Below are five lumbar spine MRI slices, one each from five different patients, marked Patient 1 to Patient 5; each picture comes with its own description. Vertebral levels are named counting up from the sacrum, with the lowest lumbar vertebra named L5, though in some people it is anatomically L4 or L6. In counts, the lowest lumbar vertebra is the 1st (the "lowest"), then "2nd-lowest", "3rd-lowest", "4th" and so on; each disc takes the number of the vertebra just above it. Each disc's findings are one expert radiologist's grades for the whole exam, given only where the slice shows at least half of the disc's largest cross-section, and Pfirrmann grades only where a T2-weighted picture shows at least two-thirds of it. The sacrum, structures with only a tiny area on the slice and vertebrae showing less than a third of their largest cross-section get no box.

Patient 1 of 5:
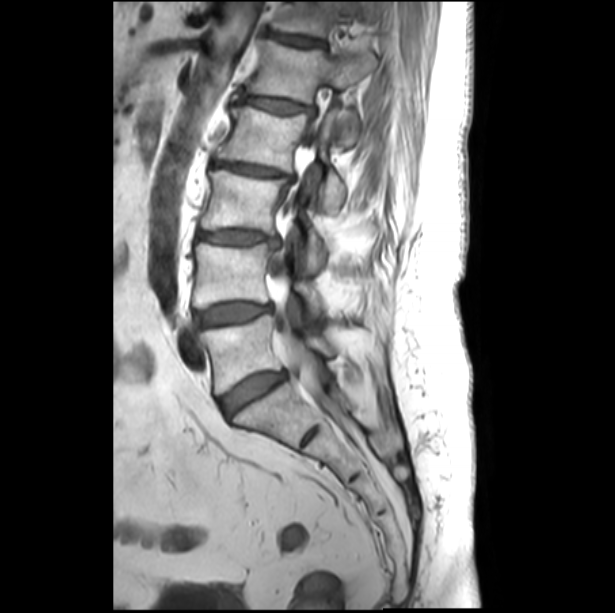
Sagittal slice index 18. MRI lumbar spine (T1-weighted), sagittal plane. Slice spacing 3.3 mm.
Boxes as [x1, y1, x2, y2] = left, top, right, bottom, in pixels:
T12 = [273, 2, 376, 37].
L2 = [217, 105, 345, 211].
L1 = [244, 40, 375, 144].
L2/L3 = [212, 159, 293, 179].
Disc L1/L2 = [240, 94, 311, 113].
T12/L1 = [270, 33, 323, 46].
L5/S1 = [220, 371, 285, 415].
L3/L4 = [198, 231, 279, 246].
L4 vertebra = [192, 242, 323, 311].
L3 vertebra = [201, 169, 328, 271].
L5 vertebra = [200, 314, 334, 393].
L4/L5 = [194, 302, 271, 327].
Spinal canal = [270, 127, 317, 345].

Degenerative findings by level:
  L3/L4: upper-endplate change, Modic type II, disc narrowing, disc bulging, lower-endplate change
  L2/L3: disc bulging, upper-endplate change, disc narrowing, Modic type II, lower-endplate change
  T12/L1: Modic type II, upper-endplate change, disc bulging, lower-endplate change
  L5/S1: disc bulging
  L1/L2: upper-endplate change, Modic type II, disc bulging, lower-endplate change
  L4/L5: disc bulging

Patient 2 of 5:
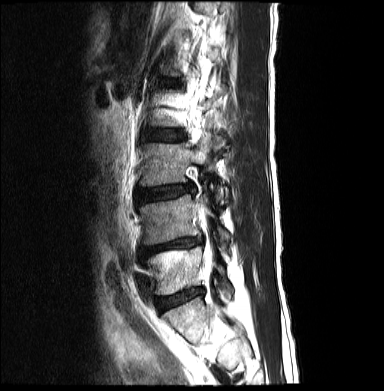 Image 384x391, Sagittal slice index 13, T2-weighted sagittal MRI of the lumbar spine, Sex M

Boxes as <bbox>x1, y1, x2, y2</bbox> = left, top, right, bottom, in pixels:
L3 — <bbox>139, 132, 223, 202</bbox>.
L2/L3 — <bbox>147, 131, 185, 140</bbox>.
L4 — <bbox>139, 194, 230, 246</bbox>.
L3/L4 — <bbox>136, 185, 194, 204</bbox>.
Intervertebral disc L5/S1 — <bbox>157, 287, 202, 309</bbox>.
Intervertebral disc L4/L5 — <bbox>139, 238, 202, 259</bbox>.
L5 vertebra — <bbox>146, 247, 233, 294</bbox>.

Radiological gradings:
- L4/L5: Pfirrmann grade 5, Modic type II, disc herniation, disc bulging, lower-endplate change, upper-endplate change, disc narrowing
- L5/S1: Modic type II
- L3/L4: Pfirrmann grade 3, disc narrowing, disc bulging
- L2/L3: no Modic or endplate change, herniation, narrowing, bulging or spondylolisthesis recorded

Patient 3 of 5:
MRI lumbar spine (T2 SPACE (3D)), sagittal plane | Sagittal slice index 101 | Field of view 240x300 mm, slice spacing 0.9 mm
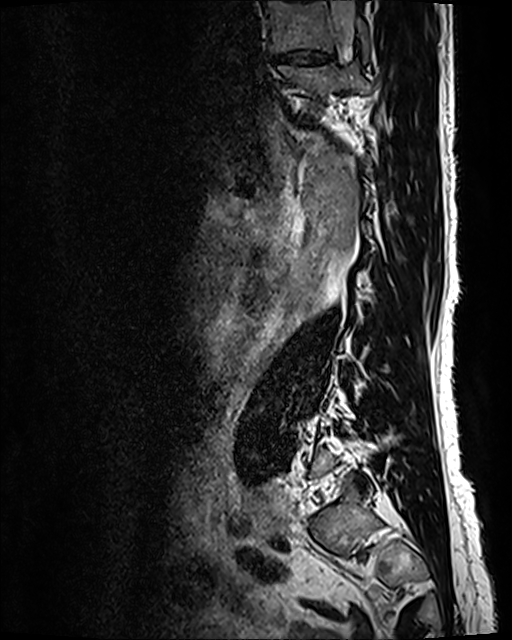

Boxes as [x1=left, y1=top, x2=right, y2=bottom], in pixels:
{"intervertebral disc T10/T11": "[x1=271, y1=50, x2=332, y2=64]", "thecal sac / spinal canal": "[x1=331, y1=1, x2=356, y2=41]", "T11 vertebra": "[x1=279, y1=61, x2=375, y2=115]", "T10 vertebra": "[x1=266, y1=2, x2=368, y2=59]"}

Expert MSK radiologist gradings (per disc):
  T10/T11: Pfirrmann grade 3, disc bulging, disc narrowing

Patient 4 of 5:
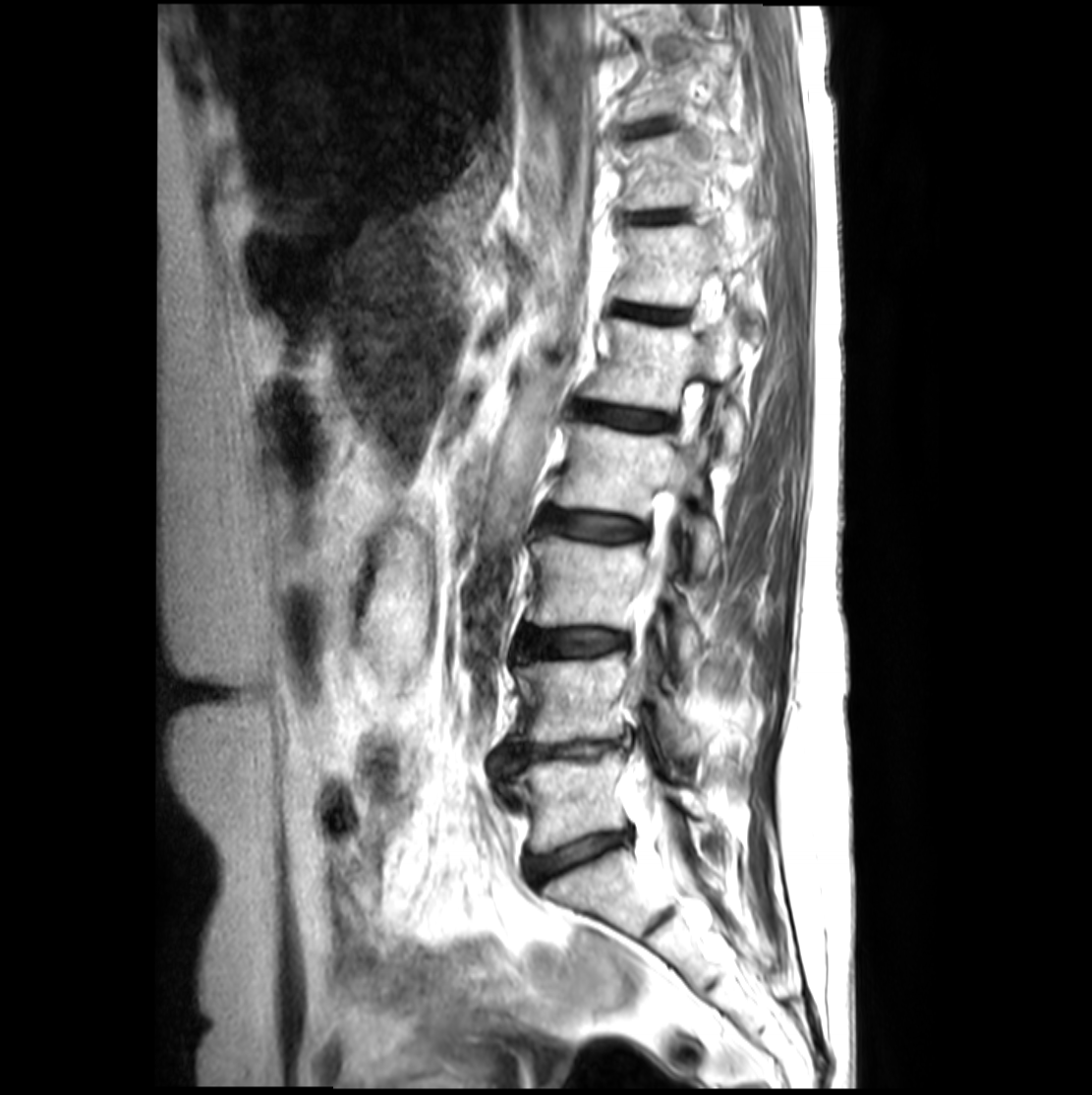
Slice 15/23; Sagittal T2-weighted lumbar spine MRI
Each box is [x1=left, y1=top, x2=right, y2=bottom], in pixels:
2nd-lowest vertebra — [x1=513, y1=654, x2=703, y2=752].
7th disc — [x1=626, y1=210, x2=687, y2=223].
3rd-lowest vertebra — [x1=527, y1=537, x2=701, y2=668].
4th disc — [x1=543, y1=510, x2=645, y2=540].
4th vertebra — [x1=555, y1=424, x2=719, y2=573].
6th vertebra — [x1=619, y1=224, x2=739, y2=307].
3rd-lowest disc — [x1=523, y1=630, x2=626, y2=655].
8th disc — [x1=622, y1=119, x2=673, y2=138].
5th disc — [x1=578, y1=403, x2=671, y2=429].
5th vertebra — [x1=582, y1=317, x2=746, y2=454].
Lowest disc — [x1=527, y1=833, x2=629, y2=881].
2nd-lowest disc — [x1=494, y1=741, x2=620, y2=774].
6th disc — [x1=618, y1=304, x2=685, y2=320].
7th vertebra — [x1=622, y1=131, x2=704, y2=209].
Spinal canal — [x1=634, y1=477, x2=695, y2=897].
Lowest vertebra — [x1=509, y1=749, x2=706, y2=851].

Per-level radiological findings:
- lowest disc: Pfirrmann grade 4, disc bulging, disc narrowing
- 7th disc: lower-endplate change, upper-endplate change
- 8th disc: lower-endplate change, upper-endplate change
- 3rd-lowest disc: Pfirrmann grade 3, upper-endplate change, lower-endplate change
- 2nd-lowest disc: Pfirrmann grade 4, disc narrowing, disc bulging, disc herniation, upper-endplate change, lower-endplate change
- 4th disc: Pfirrmann grade 3, lower-endplate change, upper-endplate change
- 5th disc: Pfirrmann grade 3, lower-endplate change, upper-endplate change
- 6th disc: no spondylolisthesis, narrowing, bulging, herniation, Modic or endplate change recorded

Patient 5 of 5:
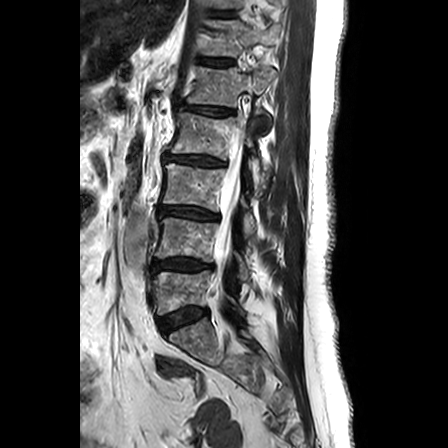 Sagittal slice index 9. Patient sex: F. Sagittal T2-weighted lumbar spine MRI.
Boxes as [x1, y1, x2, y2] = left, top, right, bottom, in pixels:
Structures:
- L2 vertebra: [171, 112, 266, 183]
- L3/L4: [159, 206, 218, 219]
- L5/S1: [159, 308, 207, 332]
- L3: [163, 163, 255, 237]
- intervertebral disc T12/L1: [199, 57, 233, 66]
- intervertebral disc L1/L2: [183, 104, 232, 115]
- spinal canal: [214, 124, 243, 299]
- L2/L3: [165, 154, 224, 166]
- T11/T12: [212, 11, 233, 16]
- intervertebral disc L4/L5: [151, 258, 212, 273]
- T12 vertebra: [203, 20, 276, 56]
- L1: [188, 67, 275, 106]
- L4: [155, 217, 249, 280]
- L5: [152, 270, 240, 314]

Expert MSK radiologist gradings (per disc):
- L5/S1: Pfirrmann grade 2, Modic type II, lower-endplate change, upper-endplate change
- L4/L5: Pfirrmann grade 3, Modic type II, upper-endplate change, disc bulging, lower-endplate change
- L1/L2: Pfirrmann grade 3, disc narrowing, disc bulging
- T12/L1: Pfirrmann grade 1
- L3/L4: Pfirrmann grade 3, lower-endplate change, disc bulging, Modic type II, disc narrowing, upper-endplate change
- L2/L3: Pfirrmann grade 3, lower-endplate change, disc narrowing, upper-endplate change, Modic type II, disc bulging